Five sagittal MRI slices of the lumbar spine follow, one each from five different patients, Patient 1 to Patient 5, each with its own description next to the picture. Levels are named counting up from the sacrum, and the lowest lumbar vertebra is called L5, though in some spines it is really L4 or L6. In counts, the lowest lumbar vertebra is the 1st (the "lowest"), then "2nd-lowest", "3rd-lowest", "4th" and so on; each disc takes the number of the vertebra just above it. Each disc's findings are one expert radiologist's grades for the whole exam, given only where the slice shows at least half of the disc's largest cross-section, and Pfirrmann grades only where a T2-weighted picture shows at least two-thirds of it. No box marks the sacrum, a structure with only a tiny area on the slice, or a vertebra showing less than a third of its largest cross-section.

Patient 1 of 5:
T2-weighted sagittal MRI of the lumbar spine.

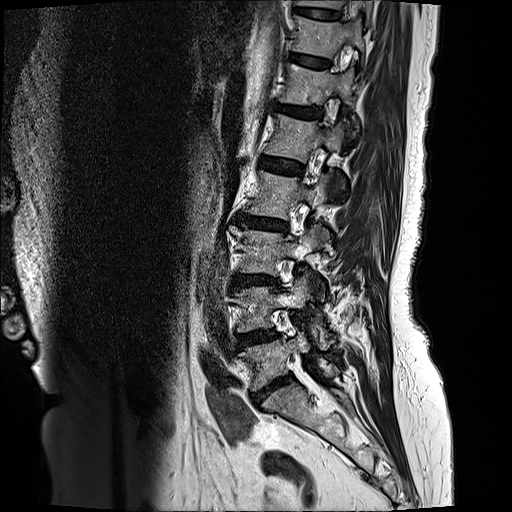

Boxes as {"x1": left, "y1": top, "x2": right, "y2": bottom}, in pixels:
T12/L1 (6th disc): {"x1": 277, "y1": 102, "x2": 325, "y2": 119} | L5 (lowest vertebra): {"x1": 241, "y1": 331, "x2": 338, "y2": 389} | L3 (3rd-lowest vertebra): {"x1": 231, "y1": 226, "x2": 329, "y2": 275} | IVD T11/T12 (7th disc): {"x1": 291, "y1": 53, "x2": 330, "y2": 66} | L4 (2nd-lowest vertebra): {"x1": 239, "y1": 276, "x2": 317, "y2": 337} | T10/T11 (8th disc): {"x1": 297, "y1": 6, "x2": 342, "y2": 18} | L2 (4th vertebra): {"x1": 252, "y1": 172, "x2": 331, "y2": 219} | L1 (5th vertebra): {"x1": 268, "y1": 114, "x2": 344, "y2": 161} | T12 (6th vertebra): {"x1": 283, "y1": 64, "x2": 358, "y2": 126} | T10 (8th vertebra): {"x1": 296, "y1": 0, "x2": 373, "y2": 23} | L4/L5 (2nd-lowest disc): {"x1": 237, "y1": 330, "x2": 277, "y2": 348} | L1/L2 (5th disc): {"x1": 259, "y1": 154, "x2": 304, "y2": 174} | T11 (7th vertebra): {"x1": 294, "y1": 16, "x2": 365, "y2": 57} | L3/L4 (3rd-lowest disc): {"x1": 234, "y1": 273, "x2": 278, "y2": 284} | L5/S1 (lowest disc): {"x1": 254, "y1": 376, "x2": 290, "y2": 403} | IVD L2/L3 (4th disc): {"x1": 235, "y1": 214, "x2": 288, "y2": 232}

Radiological gradings:
• L1/L2 (5th disc): Pfirrmann grade 2
• L2/L3 (4th disc): Pfirrmann grade 4, Modic type II, disc bulging, lower-endplate change, disc narrowing, upper-endplate change
• T12/L1 (6th disc): Pfirrmann grade 3, disc bulging
• L3/L4 (3rd-lowest disc): upper-endplate change, disc narrowing, Modic type II, disc bulging, lower-endplate change
• T10/T11 (8th disc): Pfirrmann grade 2
• L4/L5 (2nd-lowest disc): disc bulging
• T11/T12 (7th disc): Pfirrmann grade 2

Patient 2 of 5:
Image 448x448; Slice 9/24; Lumbar spine MR, T1-weighted, sagittal
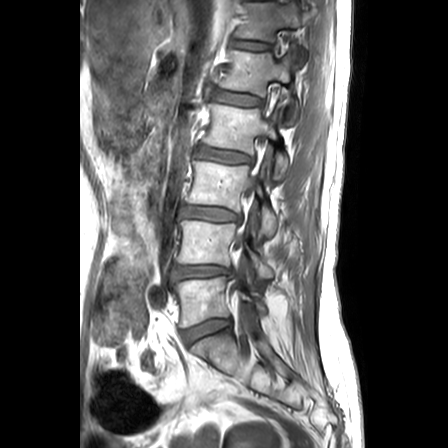 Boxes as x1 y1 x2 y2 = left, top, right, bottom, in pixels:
intervertebral disc L5/S1 (lowest disc): 183 318 231 344
L4/L5 (2nd-lowest disc): 171 265 234 282
thecal sac / spinal canal: 235 176 256 248
intervertebral disc L2/L3 (4th disc): 197 147 250 163
L1 (5th vertebra): 218 51 299 125
T12/L1 (6th disc): 234 42 267 50
L4 (2nd-lowest vertebra): 178 221 273 278
L5 (lowest vertebra): 172 277 265 327
T12 (6th vertebra): 238 3 311 64
L3/L4 (3rd-lowest disc): 182 206 238 221
L2 (4th vertebra): 203 104 288 179
L3 (3rd-lowest vertebra): 186 156 275 237
L1/L2 (5th disc): 213 91 261 106

Degenerative findings by level:
  T12/L1 (6th disc): Modic type II
  L1/L2 (5th disc): Modic type II, lower-endplate change, upper-endplate change
  L3/L4 (3rd-lowest disc): upper-endplate change, disc bulging, lower-endplate change
  L4/L5 (2nd-lowest disc): disc herniation, lower-endplate change, disc narrowing, upper-endplate change
  L2/L3 (4th disc): disc bulging, lower-endplate change, upper-endplate change, Modic type II
  L5/S1 (lowest disc): no herniation, bulging, narrowing, spondylolisthesis, endplate or Modic change recorded

Patient 3 of 5:
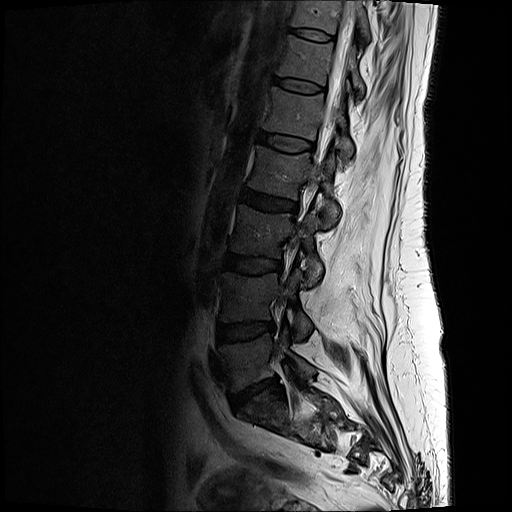 Field of view 300x300 mm. Lumbar spine MR, T2-weighted, sagittal. Slice 6/17.
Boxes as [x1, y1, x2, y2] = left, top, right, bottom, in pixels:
Annotations:
• 5th vertebra = [263, 86, 353, 158]
• spinal canal = [315, 0, 353, 163]
• 7th vertebra = [290, 0, 371, 46]
• 2nd-lowest vertebra = [221, 270, 311, 337]
• 3rd-lowest vertebra = [232, 205, 322, 284]
• 6th vertebra = [277, 34, 364, 96]
• 3rd-lowest disc = [226, 255, 280, 273]
• 4th disc = [242, 189, 297, 210]
• 6th disc = [271, 77, 321, 93]
• lowest vertebra = [220, 329, 315, 391]
• 2nd-lowest disc = [218, 321, 275, 341]
• 4th vertebra = [248, 145, 340, 225]
• lowest disc = [231, 378, 276, 410]
• 5th disc = [258, 132, 314, 151]
• 7th disc = [286, 26, 333, 41]

Per-level radiological findings:
- 6th disc: Pfirrmann grade 2
- 3rd-lowest disc: Pfirrmann grade 3
- 4th disc: Pfirrmann grade 3, disc bulging
- 2nd-lowest disc: Pfirrmann grade 3, disc bulging
- 5th disc: Pfirrmann grade 2
- lowest disc: lower-endplate change, upper-endplate change, disc herniation, disc narrowing
- 7th disc: Pfirrmann grade 2

Patient 4 of 5:
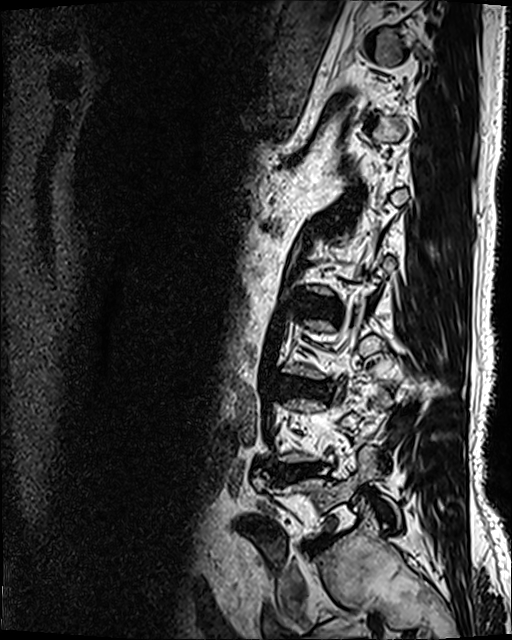

Patient sex: M, Image 512x640, MRI lumbar spine (T2 SPACE (3D)), sagittal plane, Slice 33/120, Field of view 240x300 mm, slice spacing 0.9 mm
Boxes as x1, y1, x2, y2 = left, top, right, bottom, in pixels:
L3/L4 at 277, 378, 331, 398; L5 vertebra at 283, 446, 399, 522; L4/L5 at 274, 464, 319, 480.

Patient 5 of 5:
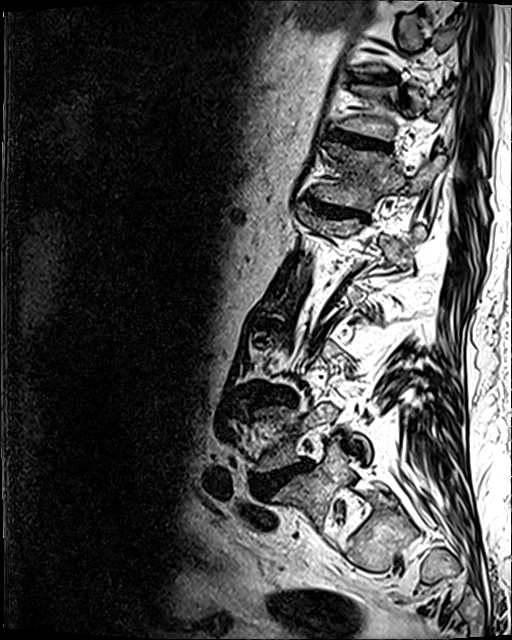 Sagittal T2 SPACE (3D) lumbar spine MRI, Slice 92/120
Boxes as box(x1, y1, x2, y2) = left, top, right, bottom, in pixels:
3rd-lowest disc: box(272, 392, 286, 402) | 7th disc: box(330, 131, 389, 149) | 2nd-lowest disc: box(253, 462, 310, 496) | 6th vertebra: box(319, 143, 443, 211) | 6th disc: box(310, 199, 364, 217) | lowest vertebra: box(273, 438, 382, 537)

Degenerative findings by level:
- 7th disc: lower-endplate change, disc bulging, upper-endplate change, disc narrowing
- 2nd-lowest disc: Pfirrmann grade 5, lower-endplate change, disc bulging, Modic type II, upper-endplate change, disc herniation, disc narrowing